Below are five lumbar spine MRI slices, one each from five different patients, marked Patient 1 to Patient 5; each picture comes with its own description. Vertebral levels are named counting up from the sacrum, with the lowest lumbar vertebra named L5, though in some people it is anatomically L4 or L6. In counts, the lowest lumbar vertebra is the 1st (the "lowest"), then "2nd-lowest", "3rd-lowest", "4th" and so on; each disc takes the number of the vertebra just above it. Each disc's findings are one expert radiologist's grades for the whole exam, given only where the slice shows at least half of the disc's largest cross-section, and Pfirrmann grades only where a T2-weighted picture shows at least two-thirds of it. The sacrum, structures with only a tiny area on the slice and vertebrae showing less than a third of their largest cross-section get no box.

Patient 1 of 5:
Sagittal T2 SPACE (3D) lumbar spine MRI, Patient sex: F

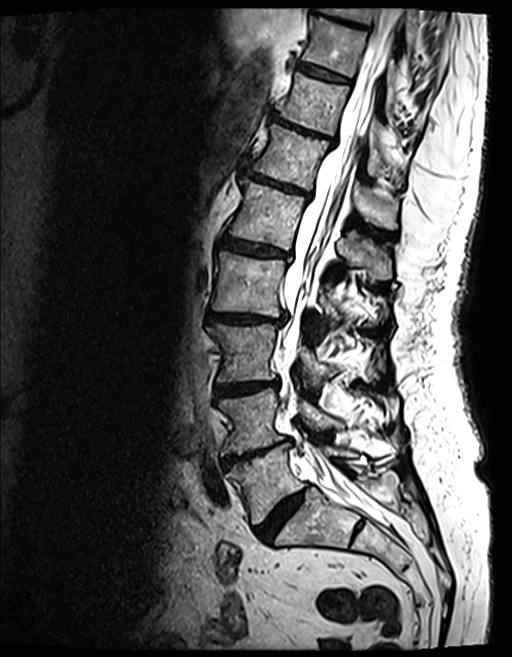
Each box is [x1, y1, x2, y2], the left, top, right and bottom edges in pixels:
T12 at [250, 125, 398, 229], L2 vertebra at [212, 252, 338, 336], L1 vertebra at [229, 181, 390, 279], disc L5/S1 at [256, 486, 309, 540], T11/T12 at [270, 112, 335, 142], L5 vertebra at [226, 444, 353, 523], L4/L5 at [222, 439, 290, 466], L4 vertebra at [220, 389, 342, 455], disc L2/L3 at [208, 313, 283, 324], T9 at [331, 8, 417, 52], disc T12/L1 at [242, 170, 310, 199], L3/L4 at [216, 381, 276, 396], disc L1/L2 at [224, 239, 288, 259], T10/T11 at [298, 61, 349, 83], spinal canal at [281, 8, 403, 509], T11 vertebra at [277, 72, 407, 182], L3 at [209, 323, 332, 388], T9/T10 at [313, 6, 367, 28], T10 at [301, 17, 420, 126].

Per-level radiological findings:
• L1/L2: Pfirrmann grade 4, lower-endplate change, disc bulging, disc narrowing, upper-endplate change, Modic type II
• L4/L5: lower-endplate change, upper-endplate change, disc bulging, disc narrowing, Modic type II
• L5/S1: Pfirrmann grade 4, disc narrowing, disc bulging
• T11/T12: Pfirrmann grade 5, lower-endplate change, disc bulging, Modic type II, upper-endplate change, disc narrowing
• T12/L1: Pfirrmann grade 4, disc narrowing, lower-endplate change, disc bulging, upper-endplate change, Modic type II
• T9/T10: Pfirrmann grade 4, lower-endplate change, upper-endplate change, disc bulging, Modic type II
• T10/T11: Pfirrmann grade 4, Modic type II, lower-endplate change, upper-endplate change
• L2/L3: Pfirrmann grade 4, disc narrowing, lower-endplate change, disc bulging, upper-endplate change, Modic type II
• L3/L4: Modic type II, disc narrowing, lower-endplate change, upper-endplate change, disc bulging

Patient 2 of 5:
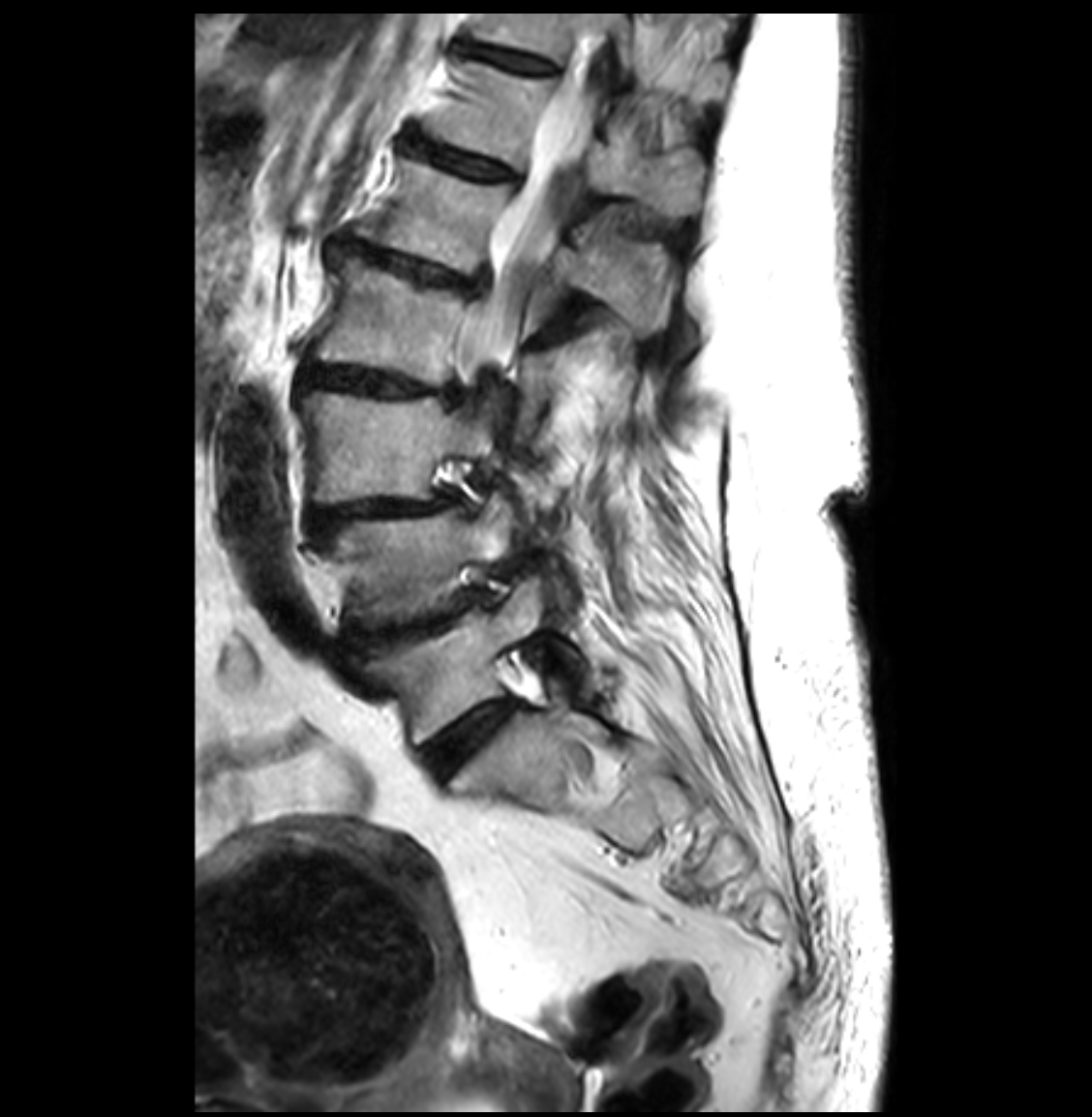 T2-weighted sagittal MRI of the lumbar spine. Slice 20 of 33.

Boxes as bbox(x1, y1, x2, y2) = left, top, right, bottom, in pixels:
7th vertebra at bbox(473, 13, 728, 103).
2nd-lowest disc at bbox(351, 593, 477, 649).
2nd-lowest vertebra at bbox(312, 493, 516, 627).
3rd-lowest disc at bbox(310, 493, 452, 528).
5th disc at bbox(353, 244, 479, 287).
4th vertebra at bbox(317, 258, 567, 438).
3rd-lowest vertebra at bbox(300, 391, 494, 503).
7th disc at bbox(470, 47, 553, 72).
Thecal sac / spinal canal at bbox(461, 19, 609, 405).
4th disc at bbox(302, 359, 462, 404).
6th disc at bbox(414, 138, 513, 180).
Lowest disc at bbox(422, 698, 513, 777).
5th vertebra at bbox(356, 157, 667, 325).
6th vertebra at bbox(432, 63, 704, 215).
Lowest vertebra at bbox(366, 577, 545, 746).

Radiological gradings:
• 7th disc: disc narrowing
• 6th disc: disc narrowing, disc bulging
• 4th disc: Pfirrmann grade 4, disc bulging, upper-endplate change, lower-endplate change, disc narrowing
• 3rd-lowest disc: disc bulging, disc narrowing, spondylolisthesis
• 2nd-lowest disc: disc narrowing, disc bulging
• lowest disc: Pfirrmann grade 2

Patient 3 of 5:
Sex F. SIEMENS Avanto_fit (1.5T). Sagittal T2-weighted lumbar spine MRI. Image 384x390.

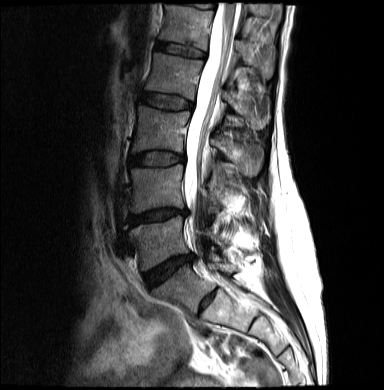

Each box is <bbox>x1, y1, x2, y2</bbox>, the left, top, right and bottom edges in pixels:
L5 vertebra at <bbox>129, 215, 224, 271</bbox> | L4 at <bbox>131, 165, 220, 213</bbox> | L4/L5 at <bbox>129, 210, 185, 224</bbox> | IVD L2/L3 at <bbox>140, 93, 192, 110</bbox> | L1/L2 at <bbox>156, 42, 205, 58</bbox> | L1 vertebra at <bbox>160, 4, 274, 78</bbox> | IVD L3/L4 at <bbox>130, 152, 183, 165</bbox> | L2 vertebra at <bbox>145, 53, 269, 127</bbox> | thecal sac / spinal canal at <bbox>184, 3, 238, 273</bbox> | L5/S1 at <bbox>145, 255, 193, 287</bbox> | L3 vertebra at <bbox>132, 106, 261, 173</bbox>

Expert MSK radiologist gradings (per disc):
- L3/L4: Pfirrmann grade 2
- L5/S1: Pfirrmann grade 4, disc bulging, disc narrowing
- L1/L2: Pfirrmann grade 2
- L2/L3: Pfirrmann grade 2
- L4/L5: Pfirrmann grade 4, lower-endplate change, disc bulging, upper-endplate change, disc narrowing

Patient 4 of 5:
Sex F | T2-weighted sagittal MRI of the lumbar spine

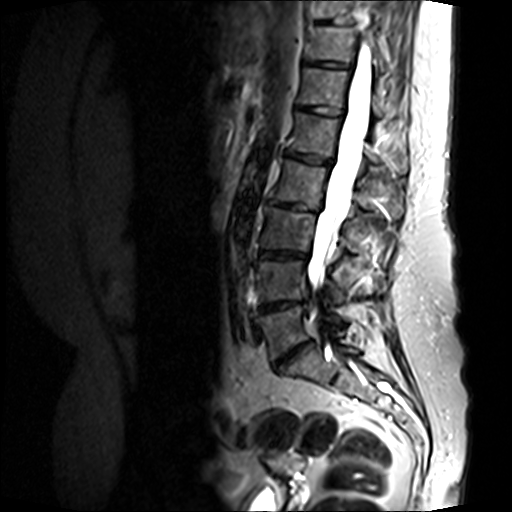

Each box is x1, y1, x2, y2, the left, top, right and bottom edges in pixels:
intervertebral disc L4/L5: 258, 301, 303, 313
L3 vertebra: 261, 206, 361, 252
L2: 269, 159, 369, 209
spinal canal: 307, 37, 373, 369
T12: 299, 67, 382, 117
T11 vertebra: 305, 26, 385, 71
L5 vertebra: 255, 305, 348, 359
L3/L4: 259, 250, 309, 260
L1/L2: 283, 150, 332, 165
L5/S1: 273, 339, 313, 371
L4: 256, 261, 342, 302
intervertebral disc T11/T12: 303, 60, 348, 69
L1: 288, 112, 375, 161
intervertebral disc L2/L3: 268, 199, 318, 212
T12/L1: 297, 105, 342, 116

Degenerative findings by level:
- L2/L3: Pfirrmann grade 5, disc bulging, disc narrowing, lower-endplate change, upper-endplate change, Modic type II
- T11/T12: Pfirrmann grade 2
- L5/S1: Pfirrmann grade 5, lower-endplate change, disc bulging, disc narrowing, Modic type II, upper-endplate change
- T12/L1: Pfirrmann grade 3
- L1/L2: Pfirrmann grade 4, disc narrowing, upper-endplate change, lower-endplate change, Modic type II, disc bulging
- L4/L5: disc narrowing, disc bulging, Modic type II, lower-endplate change, upper-endplate change
- L3/L4: Pfirrmann grade 5, disc narrowing, upper-endplate change, lower-endplate change, Modic type II, disc bulging

Patient 5 of 5:
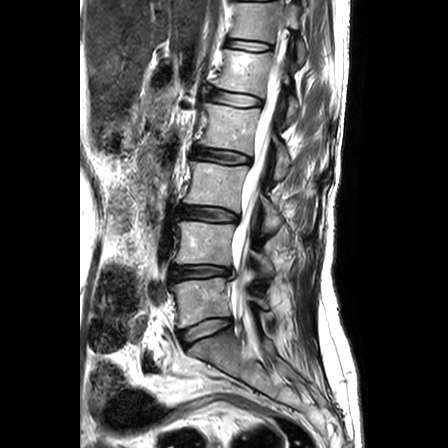

Lumbar spine MR, T2-weighted, sagittal.

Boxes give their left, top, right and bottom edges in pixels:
T12 vertebra: left=231, top=2, right=305, bottom=68.
L1 vertebra: left=214, top=36, right=299, bottom=123.
L2: left=199, top=98, right=290, bottom=179.
L5/S1: left=179, top=318, right=231, bottom=345.
Disc L3/L4: left=179, top=207, right=237, bottom=221.
L2/L3: left=193, top=148, right=249, bottom=163.
Thecal sac / spinal canal: left=234, top=61, right=283, bottom=319.
Disc L1/L2: left=209, top=90, right=260, bottom=107.
L4: left=176, top=221, right=273, bottom=276.
T12/L1: left=227, top=40, right=270, bottom=50.
Disc L4/L5: left=170, top=265, right=235, bottom=282.
L3 vertebra: left=184, top=161, right=282, bottom=233.
L5 vertebra: left=171, top=277, right=268, bottom=327.

Expert MSK radiologist gradings (per disc):
  L2/L3: Pfirrmann grade 3, lower-endplate change, upper-endplate change, disc bulging, Modic type II
  L5/S1: Pfirrmann grade 2
  L4/L5: Pfirrmann grade 3, disc narrowing, upper-endplate change, lower-endplate change, disc herniation
  L1/L2: Pfirrmann grade 2, lower-endplate change, upper-endplate change, Modic type II
  T12/L1: Pfirrmann grade 2, Modic type II
  L3/L4: Pfirrmann grade 3, disc bulging, lower-endplate change, upper-endplate change